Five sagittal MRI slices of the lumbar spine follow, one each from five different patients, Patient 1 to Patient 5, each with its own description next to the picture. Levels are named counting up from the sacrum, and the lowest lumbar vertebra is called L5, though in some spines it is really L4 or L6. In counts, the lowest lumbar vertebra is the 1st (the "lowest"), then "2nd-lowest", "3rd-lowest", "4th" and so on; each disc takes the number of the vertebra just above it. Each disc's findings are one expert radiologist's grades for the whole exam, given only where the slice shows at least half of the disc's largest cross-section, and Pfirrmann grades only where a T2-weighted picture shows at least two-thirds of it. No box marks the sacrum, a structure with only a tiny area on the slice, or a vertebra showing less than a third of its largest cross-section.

Patient 1 of 5:
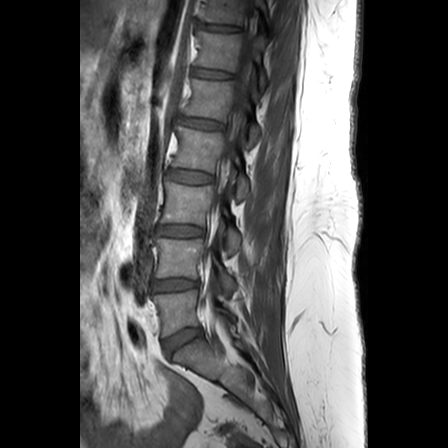

Slice 9/24, T1-weighted sagittal MRI of the lumbar spine

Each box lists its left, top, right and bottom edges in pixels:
Annotations:
• L1 (5th vertebra): left=183, top=79, right=260, bottom=143
• intervertebral disc L4/L5 (2nd-lowest disc): left=153, top=279, right=198, bottom=290
• L2 (4th vertebra): left=173, top=126, right=249, bottom=202
• intervertebral disc L5/S1 (lowest disc): left=163, top=328, right=200, bottom=353
• intervertebral disc T11/T12 (7th disc): left=198, top=24, right=238, bottom=31
• T12/L1 (6th disc): left=193, top=68, right=230, bottom=78
• T12 (6th vertebra): left=197, top=30, right=267, bottom=89
• L2/L3 (4th disc): left=167, top=170, right=212, bottom=183
• L5 (lowest vertebra): left=153, top=290, right=235, bottom=335
• T11 (7th vertebra): left=199, top=0, right=267, bottom=23
• intervertebral disc L3/L4 (3rd-lowest disc): left=158, top=225, right=203, bottom=236
• L3 (3rd-lowest vertebra): left=162, top=182, right=240, bottom=255
• L4 (2nd-lowest vertebra): left=155, top=238, right=236, bottom=294
• L1/L2 (5th disc): left=177, top=116, right=224, bottom=130
• thecal sac / spinal canal: left=215, top=0, right=258, bottom=208

Per-level radiological findings:
  L1/L2 (5th disc): Modic type II, upper-endplate change, disc bulging
  L3/L4 (3rd-lowest disc): upper-endplate change
  L4/L5 (2nd-lowest disc): disc narrowing
  L2/L3 (4th disc), L5/S1 (lowest disc), T12/L1 (6th disc), T11/T12 (7th disc): no herniation, bulging, narrowing, spondylolisthesis, endplate or Modic change recorded

Patient 2 of 5:
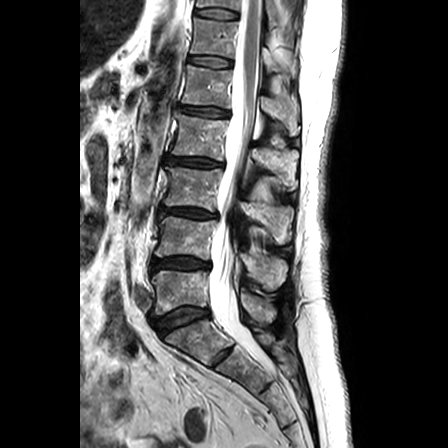 Patient sex: F. Image 448x448. Lumbar spine MR, T2-weighted, sagittal.
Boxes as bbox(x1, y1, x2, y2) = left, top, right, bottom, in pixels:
3rd-lowest vertebra: bbox(164, 166, 293, 243)
7th disc: bbox(195, 9, 237, 18)
lowest vertebra: bbox(152, 270, 276, 322)
spinal canal: bbox(209, 0, 261, 360)
2nd-lowest disc: bbox(151, 257, 209, 271)
6th vertebra: bbox(191, 18, 292, 72)
4th disc: bbox(168, 157, 223, 166)
5th disc: bbox(179, 106, 228, 116)
7th vertebra: bbox(197, 0, 276, 25)
4th vertebra: bbox(172, 111, 298, 189)
6th disc: bbox(189, 56, 231, 66)
2nd-lowest vertebra: bbox(155, 216, 287, 290)
3rd-lowest disc: bbox(160, 206, 217, 218)
5th vertebra: bbox(182, 65, 299, 135)
lowest disc: bbox(156, 307, 209, 335)

Degenerative findings by level:
- 7th disc: Pfirrmann grade 1
- 2nd-lowest disc: Pfirrmann grade 3, disc bulging, lower-endplate change, upper-endplate change, Modic type II
- 4th disc: Pfirrmann grade 3, lower-endplate change, upper-endplate change, Modic type II, disc bulging, disc narrowing
- lowest disc: Pfirrmann grade 2, lower-endplate change, upper-endplate change, Modic type II
- 5th disc: Pfirrmann grade 3, disc bulging, disc narrowing
- 6th disc: Pfirrmann grade 1
- 3rd-lowest disc: Pfirrmann grade 3, disc bulging, disc narrowing, lower-endplate change, upper-endplate change, Modic type II

Patient 3 of 5:
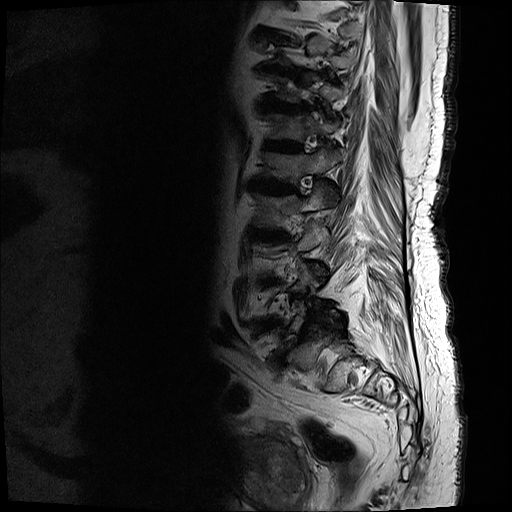 Slice 16 of 17 | MRI lumbar spine (T2-weighted), sagittal plane

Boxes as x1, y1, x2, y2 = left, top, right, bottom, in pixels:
L1 vertebra: 263, 144, 346, 193
T12: 266, 112, 342, 141
L2/L3: 251, 229, 289, 241
L1/L2: 249, 178, 298, 195
L5 vertebra: 283, 299, 341, 334
L2: 254, 180, 328, 229
intervertebral disc L3/L4: 259, 278, 280, 287
intervertebral disc T12/L1: 265, 139, 303, 154
intervertebral disc T11/T12: 263, 98, 310, 113
intervertebral disc T10/T11: 259, 62, 296, 77
intervertebral disc L4/L5: 253, 318, 284, 334
intervertebral disc L5/S1: 277, 355, 286, 367

Per-level radiological findings:
- T11/T12: Pfirrmann grade 5, upper-endplate change, disc narrowing, disc bulging, Modic type II, lower-endplate change
- L1/L2: Pfirrmann grade 5, upper-endplate change, lower-endplate change, disc bulging, Modic type II, disc narrowing
- T10/T11: upper-endplate change, lower-endplate change, Modic type II, disc narrowing, disc bulging
- T12/L1: lower-endplate change, disc narrowing, upper-endplate change, disc bulging, Modic type II

Patient 4 of 5:
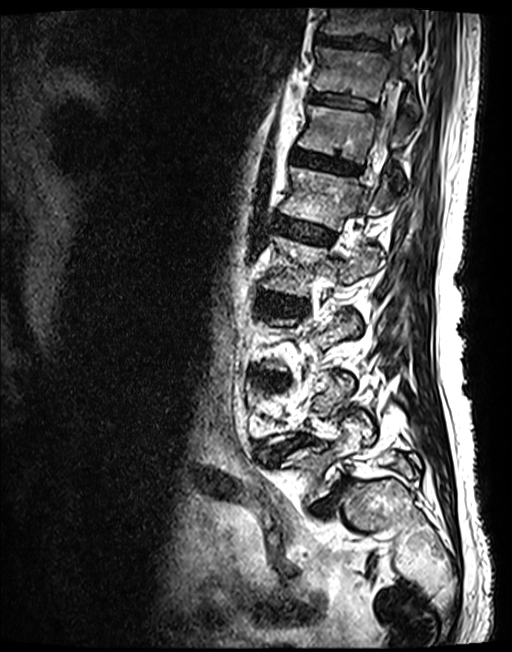

Lumbar spine MR, T2 SPACE (3D), sagittal | Sagittal slice index 48
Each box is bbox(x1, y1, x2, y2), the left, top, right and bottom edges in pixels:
- 3rd-lowest disc: bbox(264, 374, 287, 387)
- 5th vertebra: bbox(280, 166, 387, 230)
- lowest disc: bbox(312, 482, 341, 509)
- 4th vertebra: bbox(261, 236, 377, 295)
- 6th disc: bbox(291, 150, 360, 173)
- 2nd-lowest disc: bbox(268, 437, 306, 457)
- 7th disc: bbox(309, 92, 374, 109)
- 8th vertebra: bbox(319, 8, 422, 40)
- 8th disc: bbox(315, 34, 385, 49)
- 5th disc: bbox(275, 217, 334, 244)
- lowest vertebra: bbox(278, 420, 419, 504)
- 4th disc: bbox(256, 292, 307, 314)
- 6th vertebra: bbox(297, 105, 401, 184)
- 7th vertebra: bbox(313, 47, 419, 119)
- thecal sac / spinal canal: bbox(360, 9, 409, 211)

Per-level radiological findings:
  6th disc: Pfirrmann grade 3
  8th disc: Pfirrmann grade 3
  4th disc: disc bulging
  5th disc: Pfirrmann grade 3
  7th disc: Pfirrmann grade 3

Patient 5 of 5:
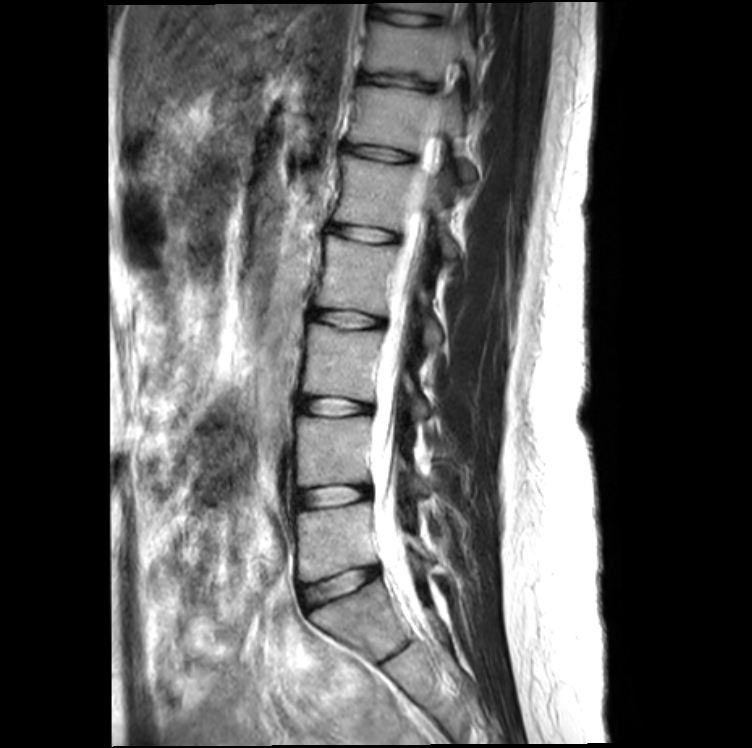
Sagittal slice index 9 | 752x748 px | T2-weighted sagittal MRI of the lumbar spine | Field of view 311x309 mm
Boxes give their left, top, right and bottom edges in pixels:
5th disc: left=328, top=225, right=395, bottom=241 | 6th vertebra: left=348, top=85, right=475, bottom=181 | 2nd-lowest vertebra: left=296, top=415, right=428, bottom=495 | lowest disc: left=301, top=567, right=378, bottom=609 | 8th vertebra: left=377, top=3, right=486, bottom=21 | 3rd-lowest vertebra: left=303, top=322, right=429, bottom=419 | 2nd-lowest disc: left=294, top=485, right=370, bottom=507 | lowest vertebra: left=291, top=503, right=429, bottom=582 | 8th disc: left=371, top=8, right=439, bottom=24 | spinal canal: left=371, top=4, right=460, bottom=608 | 7th vertebra: left=364, top=21, right=480, bottom=86 | 5th vertebra: left=333, top=154, right=457, bottom=259 | 4th vertebra: left=316, top=237, right=442, bottom=348 | 6th disc: left=343, top=143, right=410, bottom=162 | 4th disc: left=311, top=309, right=381, bottom=327 | 3rd-lowest disc: left=298, top=396, right=370, bottom=414 | 7th disc: left=361, top=72, right=431, bottom=89

Radiological gradings:
- 7th disc: Pfirrmann grade 2, lower-endplate change, disc bulging
- 4th disc: Pfirrmann grade 2
- 8th disc: Pfirrmann grade 2
- 6th disc: Pfirrmann grade 2
- 3rd-lowest disc: Pfirrmann grade 2
- lowest disc: Pfirrmann grade 2, lower-endplate change
- 5th disc: Pfirrmann grade 2
- 2nd-lowest disc: Pfirrmann grade 2